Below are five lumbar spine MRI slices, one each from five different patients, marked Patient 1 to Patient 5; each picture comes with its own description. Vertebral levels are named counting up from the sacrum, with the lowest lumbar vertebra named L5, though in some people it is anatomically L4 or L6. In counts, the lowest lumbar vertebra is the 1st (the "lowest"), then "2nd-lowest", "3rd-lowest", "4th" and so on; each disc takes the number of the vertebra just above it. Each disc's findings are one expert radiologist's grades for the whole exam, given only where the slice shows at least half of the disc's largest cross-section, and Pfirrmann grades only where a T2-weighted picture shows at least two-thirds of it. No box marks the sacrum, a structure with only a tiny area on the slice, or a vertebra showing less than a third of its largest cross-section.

Patient 1 of 5:
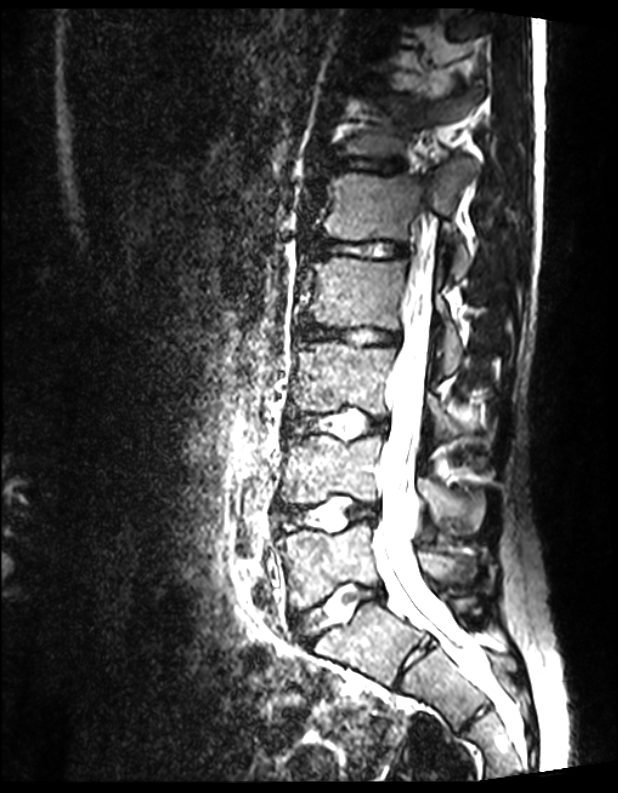 MRI lumbar spine (T2 SPACE (3D)), sagittal plane, Sex M

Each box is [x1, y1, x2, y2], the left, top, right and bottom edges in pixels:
3rd-lowest disc at [286, 410, 387, 439], 4th disc at [295, 327, 399, 345], 5th vertebra at [321, 173, 470, 278], 7th disc at [368, 79, 389, 88], 2nd-lowest vertebra at [281, 435, 485, 533], 2nd-lowest disc at [277, 498, 376, 531], 6th disc at [327, 157, 405, 172], lowest disc at [293, 583, 383, 643], 5th disc at [310, 236, 407, 257], lowest vertebra at [277, 522, 476, 609], 6th vertebra at [338, 96, 472, 170], 4th vertebra at [303, 257, 463, 371], thecal sac / spinal canal at [373, 207, 485, 688], 3rd-lowest vertebra at [292, 342, 497, 451].

Per-level radiological findings:
  5th disc: Pfirrmann grade 1
  lowest disc: Pfirrmann grade 1
  3rd-lowest disc: Pfirrmann grade 1
  2nd-lowest disc: Pfirrmann grade 1
  4th disc: Pfirrmann grade 1
  6th disc: Pfirrmann grade 1

Patient 2 of 5:
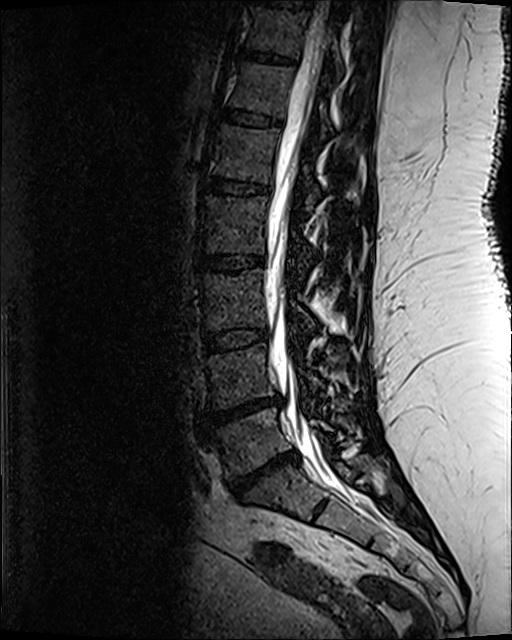
Slice 67 of 120; Patient sex: F; MRI lumbar spine (T2 SPACE (3D)), sagittal plane; Slice spacing 0.9 mm

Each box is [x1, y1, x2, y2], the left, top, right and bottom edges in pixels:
Segmented structures:
- T11 vertebra = [246, 7, 343, 75]
- L1/L2 = [205, 177, 269, 194]
- L5 = [206, 408, 334, 476]
- disc L2/L3 = [199, 255, 263, 271]
- L3/L4 = [204, 329, 267, 351]
- L5/S1 = [227, 454, 298, 499]
- disc T11/T12 = [241, 51, 292, 63]
- T12 vertebra = [230, 63, 332, 135]
- spinal canal = [265, 1, 365, 505]
- L4/L5 = [212, 401, 277, 423]
- L1 vertebra = [212, 124, 361, 209]
- T12/L1 = [222, 109, 280, 125]
- L4 vertebra = [208, 345, 321, 407]
- L3 = [200, 270, 315, 328]
- disc T10/T11 = [260, 0, 311, 7]
- L2 vertebra = [199, 197, 313, 264]

Degenerative findings by level:
- L3/L4: Pfirrmann grade 3
- T11/T12: Pfirrmann grade 3, lower-endplate change
- L2/L3: Pfirrmann grade 3, upper-endplate change, lower-endplate change
- L5/S1: Pfirrmann grade 5, lower-endplate change, upper-endplate change, disc narrowing, disc herniation, Modic type II
- L1/L2: Pfirrmann grade 3, lower-endplate change
- T12/L1: Pfirrmann grade 3

Patient 3 of 5:
Scanner: SIEMENS Aera (1.5T). Lumbar spine MR, T2-weighted, sagittal.

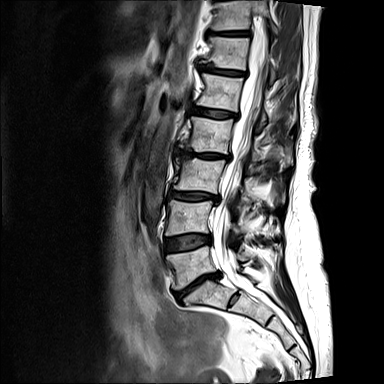

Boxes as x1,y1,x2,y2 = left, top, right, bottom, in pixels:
Structures:
* L1 vertebra at 196,73,266,125
* L2 at 179,116,293,168
* IVD L1/L2 at 192,107,237,118
* IVD L2/L3 at 175,149,231,160
* L3 vertebra at 173,157,285,213
* L4 at 165,200,245,235
* thecal sac / spinal canal at 212,11,267,298
* L5 vertebra at 167,246,251,289
* T12 at 199,36,275,85
* L4/L5 at 165,234,210,251
* T11 at 209,0,279,33
* IVD T11/T12 at 206,30,251,36
* L3/L4 at 170,191,219,202
* IVD L5/S1 at 175,272,220,300
* IVD T12/L1 at 197,64,246,77

Degenerative findings by level:
• L2/L3: Pfirrmann grade 5, disc bulging, upper-endplate change, Modic type III, lower-endplate change, disc narrowing
• L4/L5: Pfirrmann grade 3, upper-endplate change, Modic type II, lower-endplate change, disc bulging
• L5/S1: Pfirrmann grade 5, disc narrowing, Modic type II, disc bulging, lower-endplate change, upper-endplate change
• L3/L4: Pfirrmann grade 4, upper-endplate change, disc bulging, Modic type II, lower-endplate change, disc narrowing
• L1/L2: Pfirrmann grade 3, disc bulging, upper-endplate change, lower-endplate change, Modic type II
• T12/L1: Pfirrmann grade 3, disc narrowing, Modic type III, upper-endplate change, disc bulging, lower-endplate change
• T11/T12: Pfirrmann grade 3, lower-endplate change, disc bulging, Modic type II, disc narrowing, upper-endplate change

Patient 4 of 5:
T2 SPACE (3D) sagittal MRI of the lumbar spine. Slice 47 of 120. 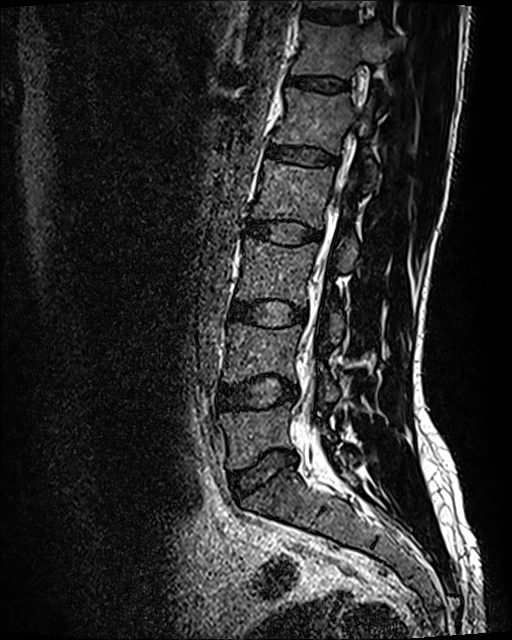 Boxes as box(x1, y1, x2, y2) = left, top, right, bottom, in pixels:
{"6th vertebra": "box(291, 21, 396, 93)", "5th disc": "box(268, 144, 336, 166)", "lowest vertebra": "box(220, 402, 335, 469)", "2nd-lowest vertebra": "box(224, 323, 338, 400)", "3rd-lowest disc": "box(229, 301, 305, 327)", "3rd-lowest vertebra": "box(237, 237, 345, 343)", "4th disc": "box(244, 218, 320, 244)", "5th vertebra": "box(272, 88, 377, 181)", "spinal canal": "box(301, 195, 340, 446)", "2nd-lowest disc": "box(219, 377, 297, 409)", "7th disc": "box(303, 7, 354, 23)", "4th vertebra": "box(252, 159, 358, 272)", "lowest disc": "box(229, 450, 297, 499)", "6th disc": "box(288, 75, 347, 90)"}

Expert MSK radiologist gradings (per disc):
  3rd-lowest disc: Pfirrmann grade 2, disc bulging
  5th disc: Pfirrmann grade 2
  6th disc: Pfirrmann grade 2
  2nd-lowest disc: Pfirrmann grade 2, disc bulging
  4th disc: Pfirrmann grade 2
  7th disc: Pfirrmann grade 2
  lowest disc: Pfirrmann grade 2, disc bulging

Patient 5 of 5:
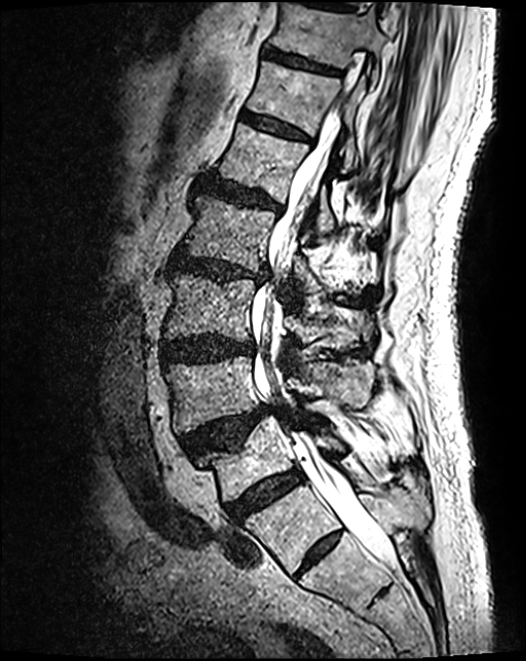 T2 SPACE (3D) sagittal MRI of the lumbar spine. Sagittal slice index 56. Image 526x661.
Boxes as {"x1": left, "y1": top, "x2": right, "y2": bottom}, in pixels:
Annotations:
- IVD T11/T12 (7th disc) = {"x1": 263, "y1": 48, "x2": 338, "y2": 74}
- spinal canal = {"x1": 252, "y1": 105, "x2": 393, "y2": 567}
- L3/L4 (3rd-lowest disc) = {"x1": 161, "y1": 337, "x2": 254, "y2": 363}
- T12/L1 (6th disc) = {"x1": 241, "y1": 112, "x2": 308, "y2": 140}
- L5 (lowest vertebra) = {"x1": 201, "y1": 417, "x2": 357, "y2": 502}
- T12 (6th vertebra) = {"x1": 247, "y1": 61, "x2": 365, "y2": 170}
- L2/L3 (4th disc) = {"x1": 171, "y1": 253, "x2": 268, "y2": 283}
- L1/L2 (5th disc) = {"x1": 203, "y1": 176, "x2": 282, "y2": 212}
- L1 (5th vertebra) = {"x1": 217, "y1": 124, "x2": 335, "y2": 241}
- L4 (2nd-lowest vertebra) = {"x1": 165, "y1": 356, "x2": 373, "y2": 433}
- L2 (4th vertebra) = {"x1": 182, "y1": 195, "x2": 319, "y2": 291}
- L4/L5 (2nd-lowest disc) = {"x1": 182, "y1": 404, "x2": 276, "y2": 458}
- T11 (7th vertebra) = {"x1": 270, "y1": 4, "x2": 385, "y2": 83}
- L5/S1 (lowest disc) = {"x1": 227, "y1": 471, "x2": 303, "y2": 521}
- L3 (3rd-lowest vertebra) = {"x1": 163, "y1": 273, "x2": 355, "y2": 349}

Radiological gradings:
- L2/L3 (4th disc): Pfirrmann grade 4, disc bulging, lower-endplate change, upper-endplate change, disc narrowing
- T11/T12 (7th disc): Pfirrmann grade 3, lower-endplate change
- L4/L5 (2nd-lowest disc): Pfirrmann grade 4, disc herniation, spondylolisthesis, upper-endplate change
- L3/L4 (3rd-lowest disc): Pfirrmann grade 4, disc bulging
- L5/S1 (lowest disc): Pfirrmann grade 4
- L1/L2 (5th disc): Pfirrmann grade 4, lower-endplate change, upper-endplate change, disc bulging
- T12/L1 (6th disc): Pfirrmann grade 3